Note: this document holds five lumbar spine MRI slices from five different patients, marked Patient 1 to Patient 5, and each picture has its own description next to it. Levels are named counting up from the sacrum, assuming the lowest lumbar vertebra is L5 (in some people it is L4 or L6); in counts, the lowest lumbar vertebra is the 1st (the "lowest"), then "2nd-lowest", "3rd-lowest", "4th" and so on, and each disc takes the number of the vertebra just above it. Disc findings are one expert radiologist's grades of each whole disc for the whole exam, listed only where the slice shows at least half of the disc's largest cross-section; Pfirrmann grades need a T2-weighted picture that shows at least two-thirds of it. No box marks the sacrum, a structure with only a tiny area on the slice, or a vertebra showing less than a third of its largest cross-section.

Patient 1 of 5:
Sagittal T2 SPACE (3D) lumbar spine MRI 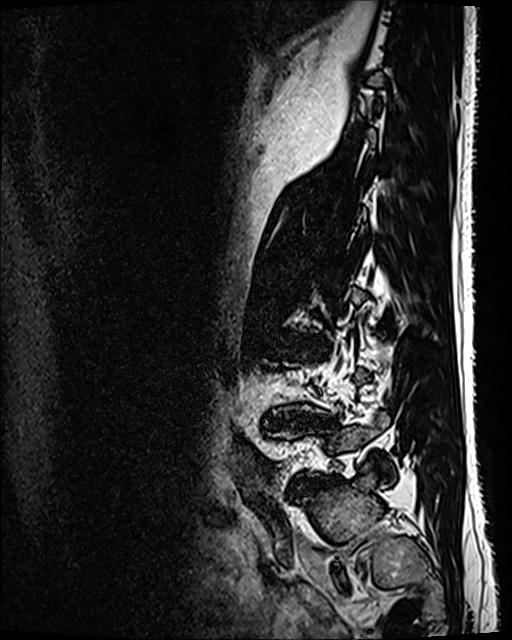
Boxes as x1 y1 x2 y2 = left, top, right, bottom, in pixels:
* 2nd-lowest disc at 281 416 307 421
* 3rd-lowest disc at 289 337 313 344
* lowest disc at 315 475 339 487

Patient 2 of 5:
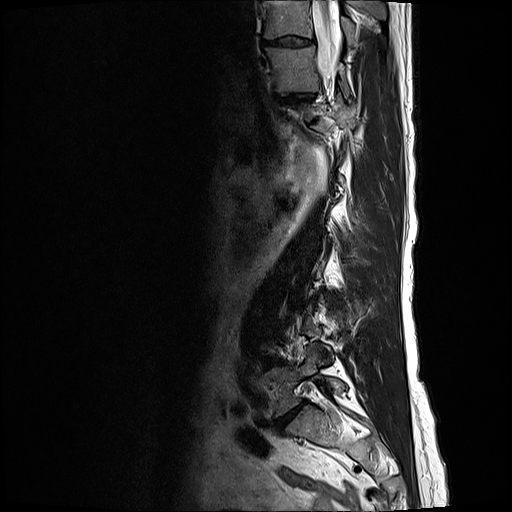 Sagittal T2-weighted lumbar spine MRI | Sex F
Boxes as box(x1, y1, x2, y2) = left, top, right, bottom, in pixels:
* L5/S1 (lowest disc) — box(278, 403, 305, 427)
* IVD T10/T11 (8th disc) — box(263, 35, 311, 47)
* IVD T11/T12 (7th disc) — box(278, 92, 316, 102)
* spinal canal — box(313, 1, 340, 79)
* T11 (7th vertebra) — box(267, 47, 347, 92)
* L5 (lowest vertebra) — box(270, 345, 345, 415)
* T10 (8th vertebra) — box(263, 0, 356, 43)

Degenerative findings by level:
• T10/T11 (8th disc): Pfirrmann grade 3, disc bulging, disc narrowing
• T11/T12 (7th disc): disc bulging, disc narrowing

Patient 3 of 5:
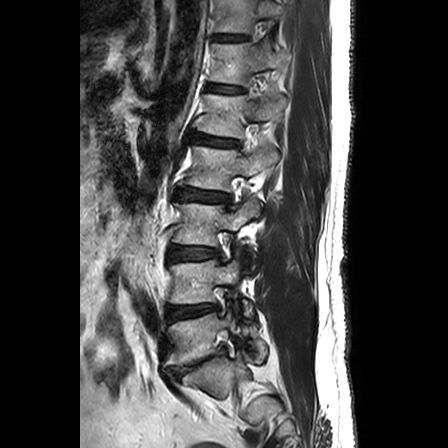 448x448 px | MRI lumbar spine (T2-weighted), sagittal plane
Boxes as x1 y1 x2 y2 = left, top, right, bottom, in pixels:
intervertebral disc L1/L2 = 195 135 238 146 | intervertebral disc L2/L3 = 177 189 229 203 | L4/L5 = 167 304 218 321 | L3/L4 = 169 246 219 260 | L1 = 198 94 285 138 | L4 = 169 259 253 320 | L3 vertebra = 173 199 259 270 | intervertebral disc L5/S1 = 174 348 225 377 | L2 = 185 142 277 191 | T11 vertebra = 215 0 282 33 | T12 vertebra = 209 36 283 85 | L5 vertebra = 165 312 267 367 | T12/L1 = 207 84 242 92 | T11/T12 = 213 34 246 40

Per-level radiological findings:
- T12/L1: Pfirrmann grade 1
- T11/T12: Pfirrmann grade 1
- L2/L3: Pfirrmann grade 3, disc bulging
- L1/L2: Pfirrmann grade 3, lower-endplate change, upper-endplate change, disc bulging, Modic type II
- L3/L4: Pfirrmann grade 2, disc bulging
- L4/L5: Pfirrmann grade 3, disc bulging, disc narrowing

Patient 4 of 5:
Slice 14/15; Sex M; Sagittal T1-weighted lumbar spine MRI; Field of view 280x280 mm, slice spacing 4.8 mm
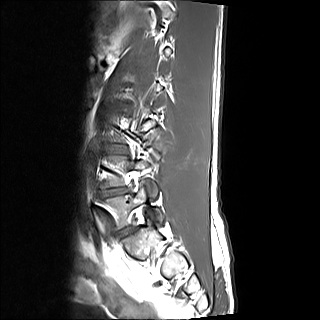
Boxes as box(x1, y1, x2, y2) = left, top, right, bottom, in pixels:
2nd-lowest vertebra: box(100, 156, 157, 198)
2nd-lowest disc: box(100, 187, 129, 197)
lowest vertebra: box(103, 181, 163, 229)
3rd-lowest disc: box(108, 146, 126, 153)
lowest disc: box(117, 226, 135, 236)

Radiological gradings:
- 2nd-lowest disc: disc narrowing, disc herniation

Patient 5 of 5:
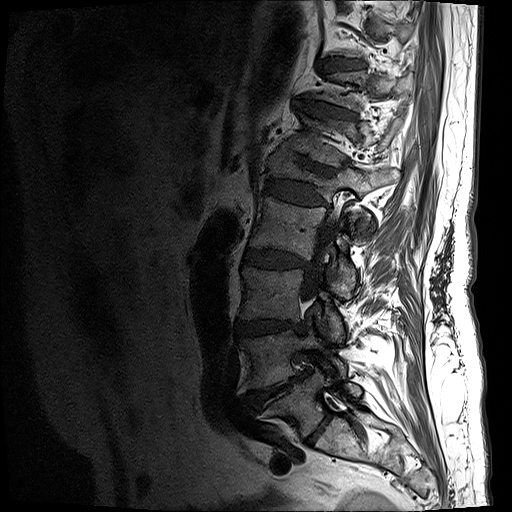 T1-weighted sagittal MRI of the lumbar spine; Image 512x512; Sex M; Slice 6/19
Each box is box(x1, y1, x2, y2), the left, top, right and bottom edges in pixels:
spinal canal — box(301, 213, 338, 301) | T11/T12 — box(296, 99, 356, 119) | L4 vertebra — box(241, 320, 346, 389) | T12/L1 — box(281, 147, 336, 176) | IVD L1/L2 — box(264, 179, 328, 205) | L3 — box(240, 267, 343, 340) | IVD L4/L5 — box(246, 373, 305, 410) | L1 — box(268, 152, 401, 232) | L5 — box(270, 368, 362, 436) | IVD L5/S1 — box(307, 414, 331, 443) | T10/T11 — box(326, 58, 359, 69) | T12 vertebra — box(284, 113, 402, 166) | L2/L3 — box(243, 249, 310, 269) | L2 — box(250, 196, 370, 296) | IVD L3/L4 — box(236, 320, 303, 335)

Per-level radiological findings:
• L2/L3: disc narrowing, Modic type II, lower-endplate change, disc bulging, upper-endplate change
• L3/L4: disc bulging, upper-endplate change, lower-endplate change, disc narrowing
• T11/T12: upper-endplate change, disc narrowing, disc bulging, lower-endplate change
• L1/L2: disc narrowing, lower-endplate change, disc bulging, upper-endplate change
• L4/L5: disc bulging, disc herniation, lower-endplate change, disc narrowing, upper-endplate change, Modic type II